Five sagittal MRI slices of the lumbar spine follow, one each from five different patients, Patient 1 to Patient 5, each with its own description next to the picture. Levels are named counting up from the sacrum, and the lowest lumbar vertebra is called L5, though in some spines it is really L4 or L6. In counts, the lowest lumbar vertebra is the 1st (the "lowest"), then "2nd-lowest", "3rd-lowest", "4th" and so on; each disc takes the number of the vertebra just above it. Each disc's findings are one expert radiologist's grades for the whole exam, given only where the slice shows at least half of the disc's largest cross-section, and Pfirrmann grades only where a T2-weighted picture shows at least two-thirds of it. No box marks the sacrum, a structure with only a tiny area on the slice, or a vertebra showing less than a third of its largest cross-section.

Patient 1 of 5:
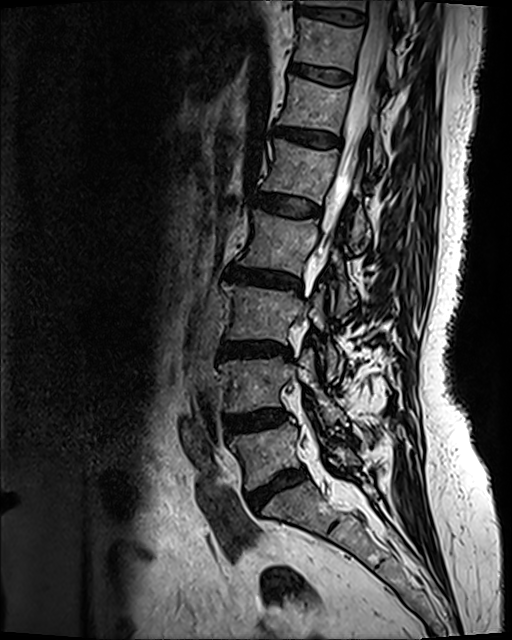 Patient sex: F. Image 512x640. MRI lumbar spine (T2 SPACE (3D)), sagittal plane. Field of view 240x300 mm.

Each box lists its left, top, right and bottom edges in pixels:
IVD L5/S1 (lowest disc) at left=249, top=470, right=303, bottom=508; T11 (7th vertebra) at left=294, top=17, right=395, bottom=88; L3 (3rd-lowest vertebra) at left=223, top=284, right=339, bottom=378; IVD L2/L3 (4th disc) at left=225, top=266, right=301, bottom=290; L4 (2nd-lowest vertebra) at left=220, top=350, right=341, bottom=422; L2 (4th vertebra) at left=239, top=210, right=352, bottom=313; T11/T12 (7th disc) at left=290, top=63, right=351, bottom=84; L3/L4 (3rd-lowest disc) at left=219, top=340, right=290, bottom=355; T12 (6th vertebra) at left=278, top=76, right=383, bottom=165; L1 (5th vertebra) at left=263, top=139, right=369, bottom=248; IVD T10/T11 (8th disc) at left=296, top=7, right=364, bottom=25; thecal sac / spinal canal at left=307, top=1, right=394, bottom=440; IVD L1/L2 (5th disc) at left=251, top=191, right=320, bottom=215; L4/L5 (2nd-lowest disc) at left=227, top=410, right=284, bottom=434; T10 (8th vertebra) at left=303, top=0, right=410, bottom=25; L5 (lowest vertebra) at left=230, top=423, right=360, bottom=490; IVD T12/L1 (6th disc) at left=274, top=127, right=341, bottom=147.

Degenerative findings by level:
• L3/L4 (3rd-lowest disc): Pfirrmann grade 4, upper-endplate change, disc bulging, lower-endplate change, disc narrowing, Modic type II
• L2/L3 (4th disc): Pfirrmann grade 4, Modic type II, upper-endplate change, disc bulging, lower-endplate change, disc narrowing
• L4/L5 (2nd-lowest disc): Pfirrmann grade 3, disc bulging
• T11/T12 (7th disc): Pfirrmann grade 2
• L5/S1 (lowest disc): Pfirrmann grade 4, disc bulging, disc narrowing
• T12/L1 (6th disc): Pfirrmann grade 3, disc bulging
• L1/L2 (5th disc): Pfirrmann grade 2
• T10/T11 (8th disc): Pfirrmann grade 2

Patient 2 of 5:
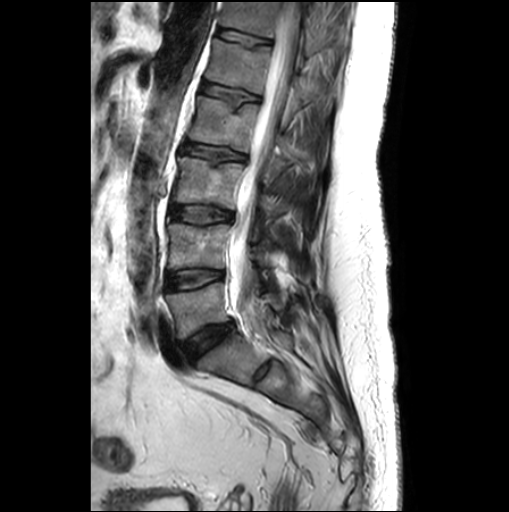 Image 509x512. Sex M. T2-weighted sagittal MRI of the lumbar spine.
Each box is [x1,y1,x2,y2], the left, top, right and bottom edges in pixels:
L3/L4: [170,205,232,223].
L2: [188,96,293,171].
L4 vertebra: [168,223,268,268].
Thecal sac / spinal canal: [232,2,299,322].
L1 vertebra: [206,39,333,109].
Intervertebral disc T12/L1: [217,28,269,44].
Intervertebral disc L2/L3: [182,143,245,160].
Intervertebral disc L5/S1: [184,321,233,359].
L3 vertebra: [173,156,282,216].
L1/L2: [201,82,259,105].
T12: [220,2,321,55].
L4/L5: [166,269,223,290].
L5: [166,282,289,338].

Radiological gradings:
  L5/S1: Pfirrmann grade 3, disc bulging
  L3/L4: Pfirrmann grade 1
  L1/L2: Pfirrmann grade 1, lower-endplate change, upper-endplate change
  L2/L3: Pfirrmann grade 1, disc bulging, lower-endplate change, upper-endplate change
  L4/L5: Pfirrmann grade 1
  T12/L1: Pfirrmann grade 1

Patient 3 of 5:
T2 SPACE (3D) sagittal MRI of the lumbar spine. Sagittal slice index 47. Sex F. 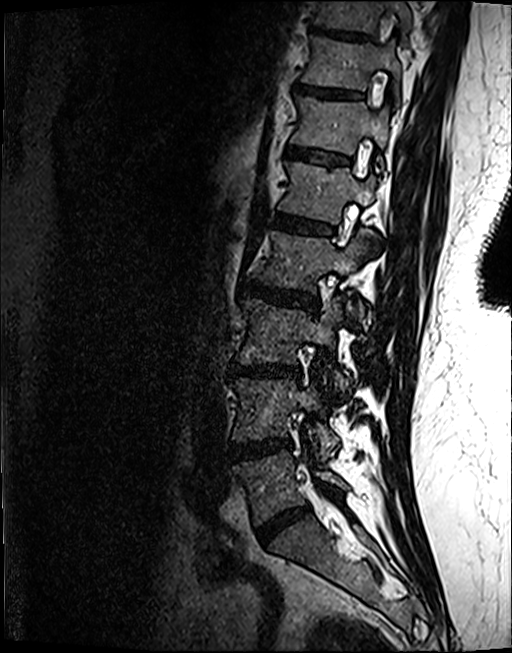

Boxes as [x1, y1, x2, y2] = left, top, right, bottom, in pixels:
5th disc = [274, 214, 333, 234].
4th vertebra = [251, 228, 369, 319].
3rd-lowest disc = [231, 362, 300, 377].
8th disc = [310, 24, 369, 40].
5th vertebra = [278, 162, 375, 222].
3rd-lowest vertebra = [236, 296, 348, 395].
4th disc = [241, 280, 318, 309].
6th vertebra = [291, 96, 388, 167].
8th vertebra = [312, 0, 411, 32].
6th disc = [285, 146, 349, 163].
7th vertebra = [302, 35, 401, 95].
2nd-lowest disc = [229, 438, 291, 459].
Lowest vertebra = [232, 450, 347, 524].
7th disc = [296, 84, 362, 97].
2nd-lowest vertebra = [232, 378, 338, 457].
Lowest disc = [257, 506, 309, 543].

Radiological gradings:
- 7th disc: Pfirrmann grade 4, upper-endplate change
- 4th disc: Pfirrmann grade 4, upper-endplate change, lower-endplate change, disc bulging
- 2nd-lowest disc: Modic type II, disc bulging, lower-endplate change
- 3rd-lowest disc: Pfirrmann grade 4, Modic type II, lower-endplate change, disc bulging, disc narrowing, upper-endplate change
- 5th disc: Pfirrmann grade 4, upper-endplate change, Modic type II, lower-endplate change
- 8th disc: Pfirrmann grade 4, lower-endplate change, upper-endplate change
- 6th disc: Pfirrmann grade 3, upper-endplate change, lower-endplate change
- lowest disc: Pfirrmann grade 4, disc narrowing, disc bulging

Patient 4 of 5:
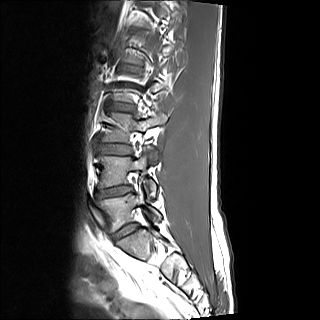 Lumbar spine MR, T1-weighted, sagittal

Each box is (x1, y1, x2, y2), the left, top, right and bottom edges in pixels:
Disc L4/L5 at (96, 185, 132, 197).
L2/L3 at (110, 103, 131, 111).
L3 vertebra at (101, 109, 167, 165).
L5 at (99, 181, 161, 232).
L4 at (97, 151, 156, 196).
L5/S1 at (112, 223, 139, 240).
Disc L3/L4 at (99, 144, 132, 154).

Expert MSK radiologist gradings (per disc):
  L4/L5: disc narrowing, disc herniation
  L5/S1: disc bulging
  L3/L4: no Modic or endplate change, herniation, narrowing, bulging or spondylolisthesis recorded

Patient 5 of 5:
Slice 8/24 | Field of view 280x280 mm, slice spacing 3.3 mm | Lumbar spine MR, T2-weighted, sagittal | Patient sex: F 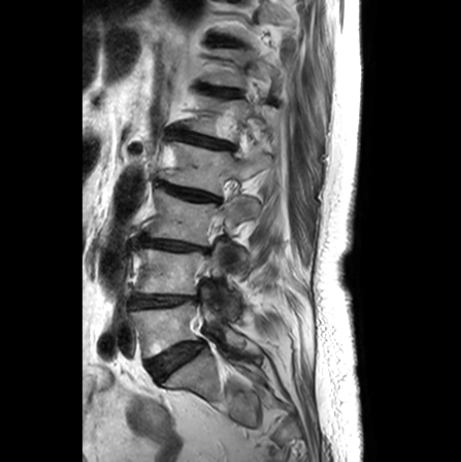 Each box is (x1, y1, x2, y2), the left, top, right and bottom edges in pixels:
L5 (lowest vertebra) at (130, 285, 244, 357), L4 (2nd-lowest vertebra) at (135, 242, 240, 321), L2 (4th vertebra) at (167, 142, 272, 194), L1/L2 (5th disc) at (178, 132, 232, 148), L1 (5th vertebra) at (187, 95, 275, 141), intervertebral disc L2/L3 (4th disc) at (161, 183, 217, 200), L3 (3rd-lowest vertebra) at (150, 188, 261, 273), intervertebral disc L4/L5 (2nd-lowest disc) at (131, 295, 198, 307), intervertebral disc L3/L4 (3rd-lowest disc) at (137, 234, 206, 251), L5/S1 (lowest disc) at (148, 342, 204, 380), intervertebral disc T12/L1 (6th disc) at (205, 87, 238, 97).

Radiological gradings:
• L1/L2 (5th disc): Pfirrmann grade 3, lower-endplate change, disc narrowing, disc bulging, upper-endplate change
• L2/L3 (4th disc): Pfirrmann grade 3, upper-endplate change, lower-endplate change, disc narrowing
• L3/L4 (3rd-lowest disc): Pfirrmann grade 5, Modic type II, lower-endplate change, upper-endplate change, disc narrowing
• L5/S1 (lowest disc): Pfirrmann grade 3, Modic type II
• L4/L5 (2nd-lowest disc): Pfirrmann grade 2, disc narrowing, Modic type II
• T12/L1 (6th disc): upper-endplate change